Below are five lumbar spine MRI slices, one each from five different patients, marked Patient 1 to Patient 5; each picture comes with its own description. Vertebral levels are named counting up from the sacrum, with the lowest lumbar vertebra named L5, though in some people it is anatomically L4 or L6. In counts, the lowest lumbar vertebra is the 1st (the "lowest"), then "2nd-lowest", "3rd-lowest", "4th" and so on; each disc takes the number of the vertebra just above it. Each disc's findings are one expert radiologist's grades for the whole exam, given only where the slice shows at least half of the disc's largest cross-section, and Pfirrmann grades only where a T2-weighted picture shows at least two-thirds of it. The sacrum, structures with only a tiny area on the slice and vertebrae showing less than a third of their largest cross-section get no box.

Patient 1 of 5:
Lumbar spine MR, T1-weighted, sagittal | Slice spacing 3.3 mm 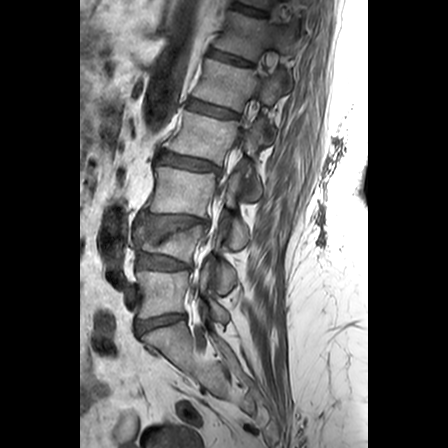 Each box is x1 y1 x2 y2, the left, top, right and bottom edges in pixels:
Segmented structures:
- disc T11/T12 (7th disc): 233 2 268 16
- T12/L1 (6th disc): 211 49 253 66
- disc L1/L2 (5th disc): 188 99 237 117
- L4 (2nd-lowest vertebra): 134 225 236 293
- L5/S1 (lowest disc): 137 314 185 334
- disc L2/L3 (4th disc): 157 151 219 171
- T12 (6th vertebra): 215 11 296 60
- L5 (lowest vertebra): 137 262 229 321
- L2 (4th vertebra): 166 110 264 200
- L4/L5 (2nd-lowest disc): 137 253 191 270
- L3/L4 (3rd-lowest disc): 140 213 207 227
- thecal sac / spinal canal: 213 175 227 210
- L3 (3rd-lowest vertebra): 146 167 249 248
- L1 (5th vertebra): 193 58 285 134

Radiological gradings:
  L3/L4 (3rd-lowest disc): upper-endplate change, lower-endplate change, disc bulging
  T12/L1 (6th disc): lower-endplate change, upper-endplate change
  T11/T12 (7th disc): lower-endplate change
  L2/L3 (4th disc): lower-endplate change, upper-endplate change
  L4/L5 (2nd-lowest disc): lower-endplate change, disc bulging
  L1/L2 (5th disc): upper-endplate change
  L5/S1 (lowest disc): disc bulging

Patient 2 of 5:
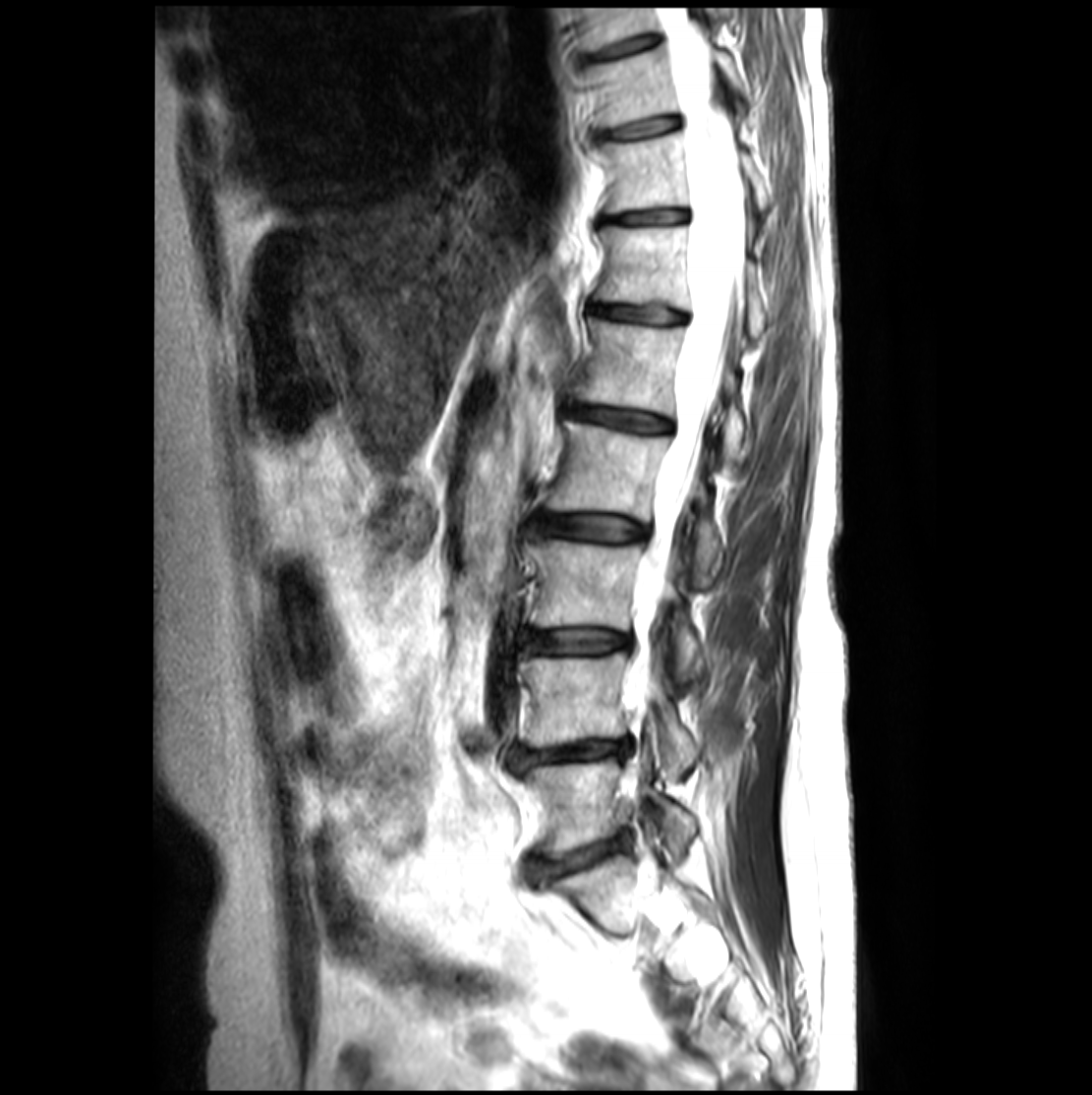 Slice 10/23 | Lumbar spine MR, T2-weighted, sagittal
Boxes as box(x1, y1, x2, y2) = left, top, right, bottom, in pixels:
Intervertebral disc L2/L3 at box(537, 514, 646, 542).
T12 vertebra at box(598, 226, 766, 337).
L4/L5 at box(511, 743, 627, 768).
T10 at box(586, 45, 743, 126).
Intervertebral disc T10/T11 at box(596, 115, 679, 141).
Intervertebral disc L1/L2 at box(566, 403, 669, 432).
L3 at box(529, 541, 701, 678).
L1 vertebra at box(571, 319, 745, 460).
L2 vertebra at box(547, 421, 721, 585).
T12/L1 at box(592, 306, 683, 322).
L5/S1 at box(528, 836, 622, 879).
L5 vertebra at box(527, 759, 695, 855).
L4 vertebra at box(519, 654, 697, 778).
T11 at box(600, 133, 769, 211).
Spinal canal at box(624, 6, 745, 719).
T11/T12 at box(603, 210, 687, 223).
Intervertebral disc L3/L4 at box(523, 630, 628, 655).

Per-level radiological findings:
  L4/L5: Pfirrmann grade 4, lower-endplate change, disc narrowing, disc herniation, upper-endplate change, disc bulging
  L2/L3: Pfirrmann grade 3, lower-endplate change, upper-endplate change
  T12/L1: Pfirrmann grade 3
  L1/L2: Pfirrmann grade 3, lower-endplate change, upper-endplate change
  L3/L4: Pfirrmann grade 3, upper-endplate change, lower-endplate change
  L5/S1: Pfirrmann grade 4, disc narrowing, disc bulging
  T10/T11: Pfirrmann grade 3, lower-endplate change, upper-endplate change
  T11/T12: Pfirrmann grade 3, lower-endplate change, upper-endplate change

Patient 3 of 5:
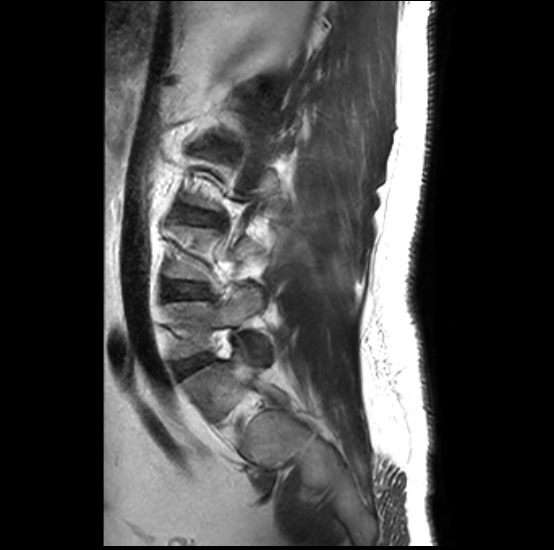
Slice 9 of 32, Sagittal T2-weighted lumbar spine MRI

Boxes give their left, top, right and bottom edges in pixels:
Intervertebral disc L3/L4 = left=185, top=211, right=223, bottom=223.
Intervertebral disc L4/L5 = left=168, top=282, right=208, bottom=297.
L5/S1 = left=177, top=355, right=206, bottom=372.
L5 = left=167, top=288, right=261, bottom=358.

Patient 4 of 5:
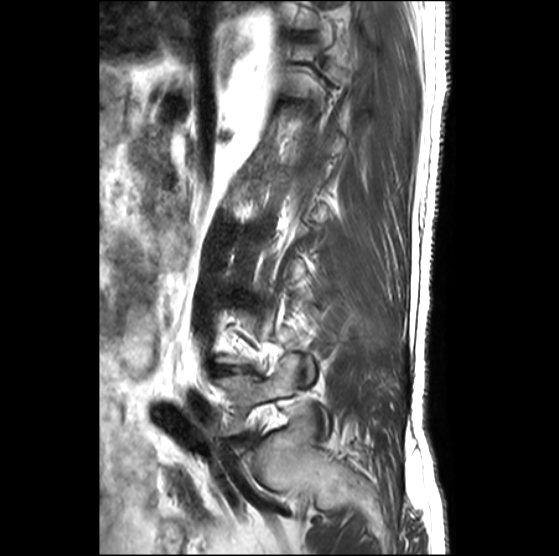
Image 559x556, MRI lumbar spine (T2-weighted), sagittal plane, Slice 6 of 27

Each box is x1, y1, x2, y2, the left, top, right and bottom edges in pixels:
2nd-lowest disc: 215, 366, 239, 372 | lowest vertebra: 218, 355, 301, 433

Patient 5 of 5:
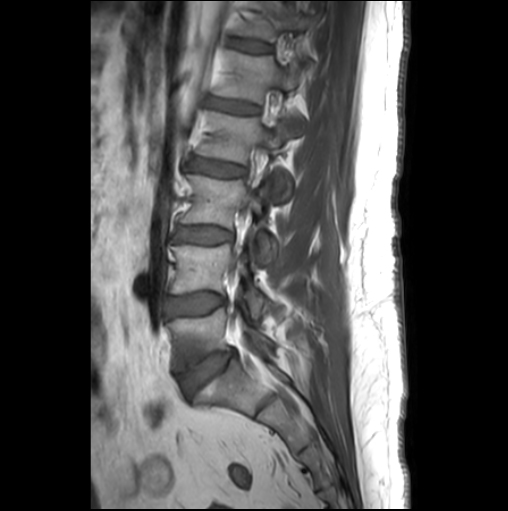

Lumbar spine MR, T1-weighted, sagittal; Sagittal slice index 9; 508x511 px; Patient sex: M

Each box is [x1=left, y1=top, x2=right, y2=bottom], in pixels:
5th vertebra: [x1=216, y1=50, x2=304, y2=135]
2nd-lowest vertebra: [x1=171, y1=244, x2=270, y2=315]
4th disc: [x1=189, y1=157, x2=245, y2=176]
thecal sac / spinal canal: [x1=250, y1=132, x2=270, y2=202]
3rd-lowest vertebra: [x1=180, y1=174, x2=276, y2=267]
5th disc: [x1=207, y1=97, x2=258, y2=112]
3rd-lowest disc: [x1=175, y1=227, x2=232, y2=243]
2nd-lowest disc: [x1=168, y1=294, x2=226, y2=316]
6th vertebra: [x1=236, y1=1, x2=314, y2=40]
4th vertebra: [x1=197, y1=111, x2=291, y2=199]
lowest vertebra: [x1=168, y1=308, x2=272, y2=370]
6th disc: [x1=230, y1=39, x2=271, y2=51]
lowest disc: [x1=180, y1=350, x2=234, y2=394]

Degenerative findings by level:
- 2nd-lowest disc: Modic type II
- lowest disc: Modic type II, disc bulging
- 5th disc, 3rd-lowest disc, 6th disc, 4th disc: no Modic or endplate change, herniation, narrowing, bulging or spondylolisthesis recorded